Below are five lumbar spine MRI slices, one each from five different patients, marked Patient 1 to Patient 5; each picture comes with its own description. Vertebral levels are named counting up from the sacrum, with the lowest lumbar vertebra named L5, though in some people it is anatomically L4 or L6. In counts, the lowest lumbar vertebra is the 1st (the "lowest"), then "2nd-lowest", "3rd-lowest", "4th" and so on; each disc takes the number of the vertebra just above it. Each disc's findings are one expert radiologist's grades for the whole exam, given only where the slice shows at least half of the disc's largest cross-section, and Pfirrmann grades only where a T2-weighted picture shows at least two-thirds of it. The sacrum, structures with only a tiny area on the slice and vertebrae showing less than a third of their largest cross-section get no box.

Patient 1 of 5:
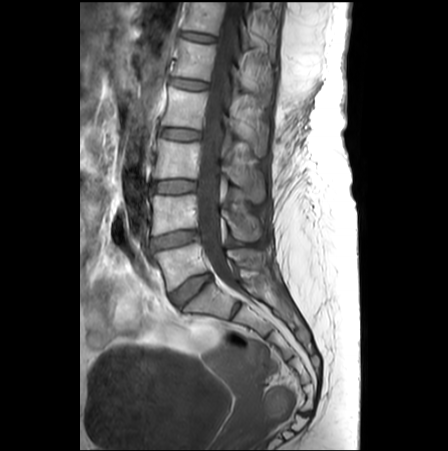

T1-weighted sagittal MRI of the lumbar spine. Slice 14 of 26.

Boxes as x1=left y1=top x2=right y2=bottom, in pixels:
L1 (5th vertebra): x1=172 y1=38 x2=272 y2=102
IVD T12/L1 (6th disc): x1=180 y1=30 x2=215 y2=42
L4/L5 (2nd-lowest disc): x1=150 y1=229 x2=198 y2=249
L5 (lowest vertebra): x1=152 y1=242 x2=261 y2=290
L5/S1 (lowest disc): x1=170 y1=273 x2=211 y2=304
L4 (2nd-lowest vertebra): x1=150 y1=194 x2=261 y2=240
L1/L2 (5th disc): x1=170 y1=77 x2=207 y2=89
L3 (3rd-lowest vertebra): x1=152 y1=139 x2=265 y2=202
L2/L3 (4th disc): x1=159 y1=128 x2=200 y2=139
L2 (4th vertebra): x1=162 y1=86 x2=267 y2=155
L3/L4 (3rd-lowest disc): x1=151 y1=180 x2=195 y2=193
thecal sac / spinal canal: x1=197 y1=0 x2=239 y2=290
T12 (6th vertebra): x1=182 y1=2 x2=276 y2=60

Degenerative findings by level:
• L4/L5 (2nd-lowest disc): disc narrowing
• L1/L2 (5th disc): Modic type II, upper-endplate change, lower-endplate change
• L3/L4 (3rd-lowest disc), L5/S1 (lowest disc), L2/L3 (4th disc), T12/L1 (6th disc): no Modic or endplate change, herniation, narrowing, bulging or spondylolisthesis recorded

Patient 2 of 5:
Patient sex: F. Lumbar spine MR, T2-weighted, sagittal. Scanner: SIEMENS Aera (1.5T). 384x384 px.

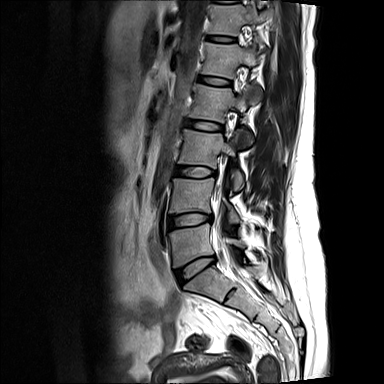 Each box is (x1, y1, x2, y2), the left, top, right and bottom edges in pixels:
L2/L3 (4th disc): (186, 120, 223, 131) | intervertebral disc L3/L4 (3rd-lowest disc): (176, 166, 216, 177) | L2 (4th vertebra): (189, 84, 260, 145) | L1 (5th vertebra): (201, 40, 257, 78) | intervertebral disc L4/L5 (2nd-lowest disc): (169, 213, 211, 228) | T12 (6th vertebra): (207, 0, 271, 35) | L5 (lowest vertebra): (169, 223, 245, 267) | intervertebral disc L1/L2 (5th disc): (200, 76, 230, 85) | T12/L1 (6th disc): (206, 35, 235, 42) | thecal sac / spinal canal: (215, 192, 231, 259) | intervertebral disc L5/S1 (lowest disc): (175, 257, 214, 284) | L4 (2nd-lowest vertebra): (169, 178, 240, 222) | L3 (3rd-lowest vertebra): (178, 129, 244, 190)

Degenerative findings by level:
• L4/L5 (2nd-lowest disc): Pfirrmann grade 2, disc bulging, Modic type II
• L3/L4 (3rd-lowest disc): Pfirrmann grade 1
• L1/L2 (5th disc): Pfirrmann grade 1
• T12/L1 (6th disc): Pfirrmann grade 1
• L5/S1 (lowest disc): Pfirrmann grade 1, disc bulging
• L2/L3 (4th disc): Pfirrmann grade 1

Patient 3 of 5:
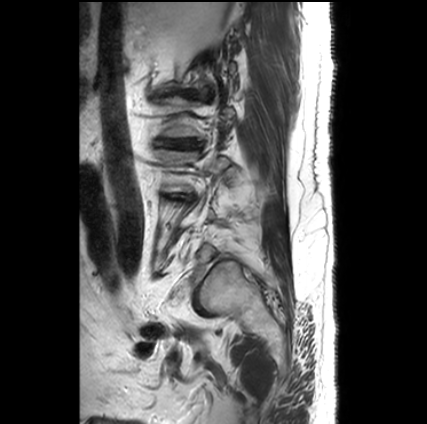

Image 427x424, MRI lumbar spine (T2-weighted), sagittal plane
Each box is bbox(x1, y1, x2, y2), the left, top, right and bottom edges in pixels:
L2/L3 = bbox(153, 138, 197, 148) | intervertebral disc L1/L2 = bbox(159, 87, 194, 97)

Degenerative findings by level:
• L2/L3: Pfirrmann grade 5, lower-endplate change, disc narrowing, disc bulging, Modic type II, upper-endplate change
• L1/L2: Pfirrmann grade 5, Modic type II, upper-endplate change, disc bulging, disc herniation, disc narrowing, lower-endplate change

Patient 4 of 5:
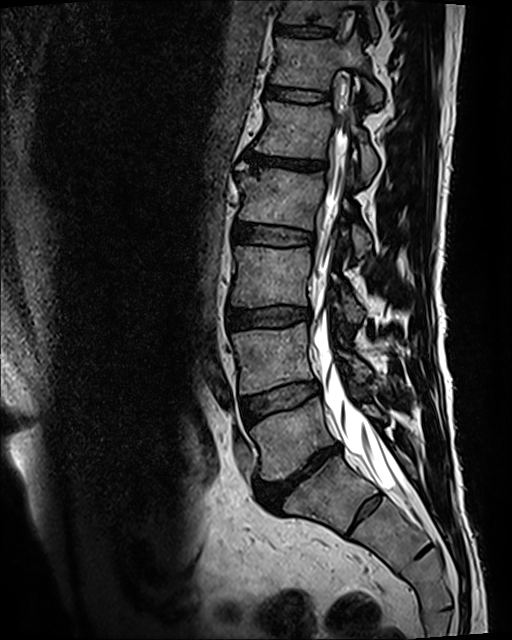 Sagittal T2 SPACE (3D) lumbar spine MRI | Patient sex: M | Image 512x640
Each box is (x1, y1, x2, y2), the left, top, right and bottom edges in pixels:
• 6th disc at (265, 81, 329, 102)
• 3rd-lowest disc at (227, 307, 311, 328)
• 4th disc at (235, 223, 314, 246)
• lowest disc at (257, 444, 340, 509)
• lowest vertebra at (250, 397, 386, 479)
• 5th vertebra at (255, 102, 377, 181)
• 2nd-lowest vertebra at (232, 323, 368, 394)
• thecal sac / spinal canal at (314, 112, 406, 495)
• 5th disc at (245, 152, 326, 171)
• 7th vertebra at (280, 0, 378, 36)
• 4th vertebra at (239, 168, 371, 256)
• 3rd-lowest vertebra at (231, 247, 364, 322)
• 6th vertebra at (272, 34, 382, 105)
• 7th disc at (276, 26, 332, 36)
• 2nd-lowest disc at (242, 381, 318, 421)

Radiological gradings:
• 7th disc: Pfirrmann grade 3, upper-endplate change, lower-endplate change
• lowest disc: Pfirrmann grade 5, disc bulging, Modic type II, upper-endplate change, lower-endplate change, disc narrowing
• 4th disc: Pfirrmann grade 3
• 2nd-lowest disc: Pfirrmann grade 3, Modic type II
• 6th disc: Pfirrmann grade 3
• 5th disc: Pfirrmann grade 5, disc bulging, Modic type II, upper-endplate change, disc narrowing, lower-endplate change
• 3rd-lowest disc: Pfirrmann grade 3, lower-endplate change, upper-endplate change, disc bulging

Patient 5 of 5:
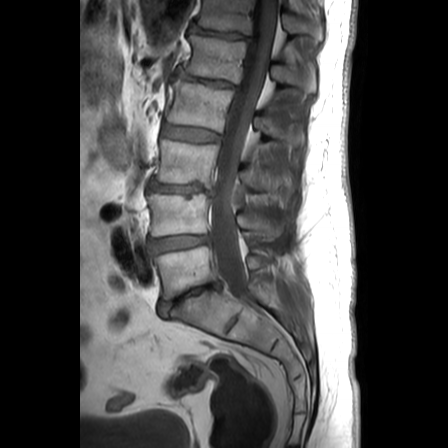

Lumbar spine MR, T1-weighted, sagittal. Patient sex: M. Image 448x448.
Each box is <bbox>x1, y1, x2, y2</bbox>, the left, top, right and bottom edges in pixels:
- T12/L1: <bbox>190, 24, 249, 39</bbox>
- IVD L3/L4: <bbox>149, 181, 213, 195</bbox>
- IVD L1/L2: <bbox>174, 69, 235, 88</bbox>
- L4: <bbox>148, 194, 283, 240</bbox>
- T12: <bbox>196, 0, 322, 39</bbox>
- thecal sac / spinal canal: <bbox>210, 0, 277, 306</bbox>
- IVD L2/L3: <bbox>162, 126, 219, 141</bbox>
- L5: <bbox>152, 245, 265, 299</bbox>
- L5/S1: <bbox>159, 282, 220, 317</bbox>
- L1: <bbox>185, 35, 314, 92</bbox>
- L4/L5: <bbox>148, 235, 208, 253</bbox>
- L2: <bbox>166, 79, 301, 147</bbox>
- L3: <bbox>153, 139, 286, 190</bbox>

Per-level radiological findings:
  L4/L5: disc bulging
  L1/L2: disc bulging, disc narrowing
  T12/L1: disc narrowing, disc bulging
  L3/L4: disc herniation, disc narrowing
  L5/S1: disc narrowing, disc bulging
  L2/L3: no Modic or endplate change, herniation, narrowing, bulging or spondylolisthesis recorded